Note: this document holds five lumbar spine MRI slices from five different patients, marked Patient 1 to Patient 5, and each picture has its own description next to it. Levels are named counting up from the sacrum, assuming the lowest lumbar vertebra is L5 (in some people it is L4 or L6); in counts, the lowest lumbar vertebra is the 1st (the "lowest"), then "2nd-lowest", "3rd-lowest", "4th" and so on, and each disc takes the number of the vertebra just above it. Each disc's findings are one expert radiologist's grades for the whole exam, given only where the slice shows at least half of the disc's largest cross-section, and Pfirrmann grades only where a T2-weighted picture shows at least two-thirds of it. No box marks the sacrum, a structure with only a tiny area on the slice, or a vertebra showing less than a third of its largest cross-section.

Patient 1 of 5:
T2-weighted sagittal MRI of the lumbar spine; Slice 9 of 36; Patient sex: F

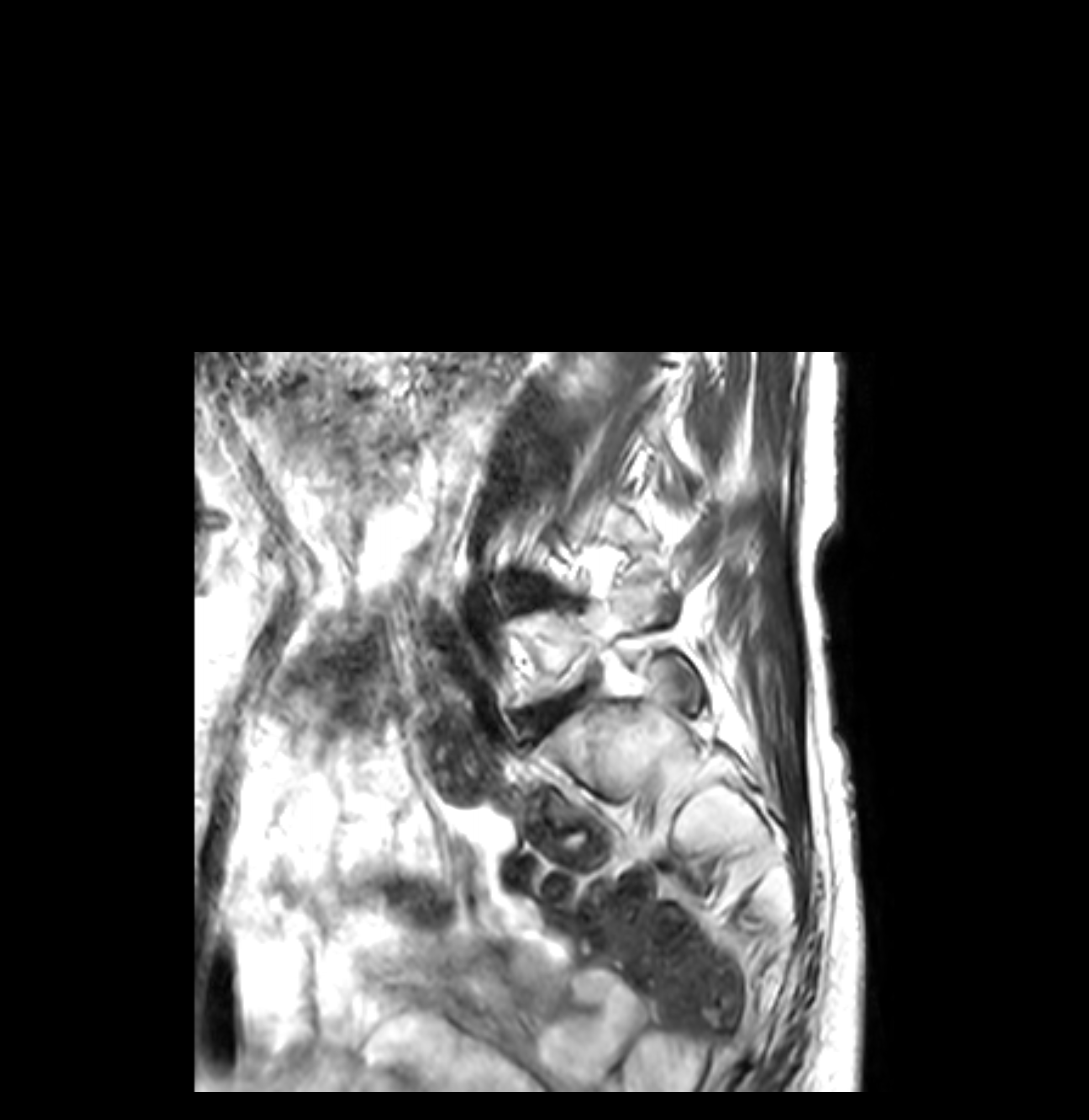

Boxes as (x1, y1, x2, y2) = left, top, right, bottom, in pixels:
L5 at (518, 580, 700, 714), intervertebral disc L5/S1 at (530, 699, 571, 727).

Patient 2 of 5:
T2 SPACE (3D) sagittal MRI of the lumbar spine

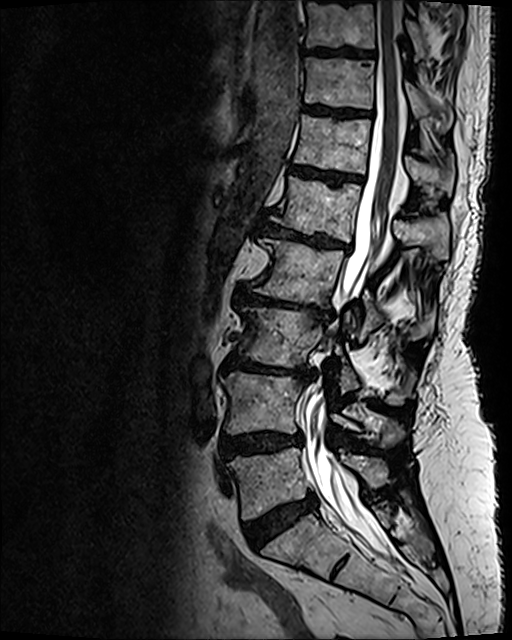

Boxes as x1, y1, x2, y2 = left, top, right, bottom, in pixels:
L3: 240, 307, 413, 403.
Intervertebral disc T11/T12: 305, 106, 365, 116.
L2: 254, 238, 432, 340.
Spinal canal: 305, 0, 400, 556.
Intervertebral disc L2/L3: 234, 287, 331, 322.
L3/L4: 224, 355, 312, 377.
Intervertebral disc L1/L2: 261, 222, 349, 249.
L5/S1: 244, 494, 316, 547.
L5 vertebra: 228, 448, 388, 519.
L4 vertebra: 221, 372, 404, 446.
Intervertebral disc T10/T11: 307, 48, 368, 57.
T12/L1: 290, 166, 362, 184.
T11: 304, 58, 453, 127.
T12 vertebra: 294, 114, 454, 194.
Intervertebral disc L4/L5: 221, 432, 301, 458.
T10 vertebra: 306, 0, 425, 58.
L1: 271, 177, 449, 258.

Degenerative findings by level:
  L4/L5: Pfirrmann grade 4, upper-endplate change, lower-endplate change, disc bulging
  T10/T11: Pfirrmann grade 4, upper-endplate change, lower-endplate change
  L5/S1: Pfirrmann grade 4, disc bulging
  L2/L3: Pfirrmann grade 5, Modic type II, disc narrowing, lower-endplate change, disc bulging, upper-endplate change
  L1/L2: Pfirrmann grade 5, disc narrowing, upper-endplate change, Modic type II, lower-endplate change, disc bulging
  L3/L4: Modic type II, disc bulging, disc narrowing, lower-endplate change, upper-endplate change
  T11/T12: Pfirrmann grade 4, lower-endplate change, upper-endplate change
  T12/L1: Pfirrmann grade 4, lower-endplate change, upper-endplate change, Modic type II

Patient 3 of 5:
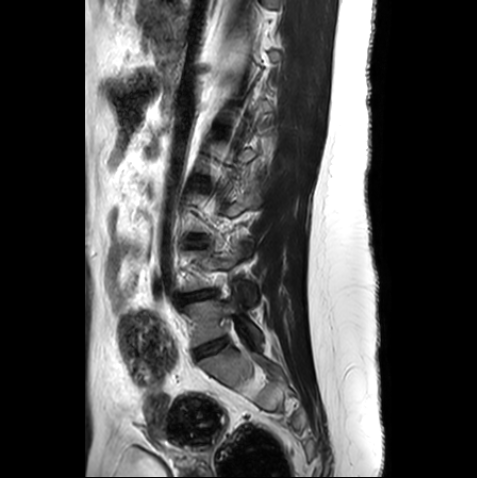 Lumbar spine MR, T2-weighted, sagittal | Sagittal slice index 6
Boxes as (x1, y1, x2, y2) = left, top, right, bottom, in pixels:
L4/L5 = (181, 290, 216, 301).
L5 = (186, 296, 262, 346).
Disc L5/S1 = (196, 339, 226, 357).
L3/L4 = (188, 240, 204, 245).

Patient 4 of 5:
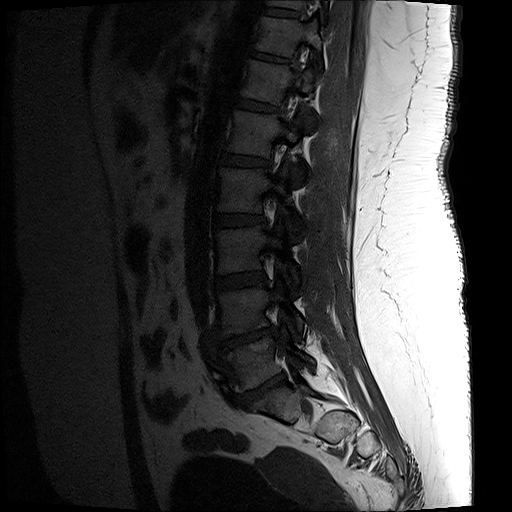
T1-weighted sagittal MRI of the lumbar spine | Patient sex: F

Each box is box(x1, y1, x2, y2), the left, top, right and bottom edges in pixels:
{"L5/S1": "box(241, 374, 284, 404)", "L4/L5": "box(217, 327, 276, 352)", "T10/T11": "box(262, 7, 298, 16)", "T10 vertebra": "box(266, 0, 327, 9)", "L5 vertebra": "box(217, 328, 314, 392)", "L2 vertebra": "box(217, 166, 301, 239)", "T12/L1": "box(237, 98, 276, 111)", "T12": "box(241, 59, 316, 127)", "L2/L3": "box(214, 214, 264, 226)", "intervertebral disc T11/T12": "box(250, 50, 288, 62)", "thecal sac / spinal canal": "box(278, 71, 297, 145)", "L1 vertebra": "box(227, 110, 308, 182)", "intervertebral disc L1/L2": "box(221, 153, 268, 166)", "L4 vertebra": "box(217, 280, 304, 337)", "L3": "box(215, 223, 300, 288)", "L3/L4": "box(215, 272, 265, 289)", "T11 vertebra": "box(255, 16, 322, 68)"}

Expert MSK radiologist gradings (per disc):
- T11/T12: lower-endplate change
- L5/S1: disc narrowing, Modic type II, lower-endplate change, disc herniation, upper-endplate change
- L2/L3: upper-endplate change, lower-endplate change
- L4/L5: upper-endplate change, lower-endplate change, disc herniation, disc narrowing, Modic type II
- L1/L2: lower-endplate change
- T12/L1, L3/L4: no Modic or endplate change, herniation, narrowing, bulging or spondylolisthesis recorded

Patient 5 of 5:
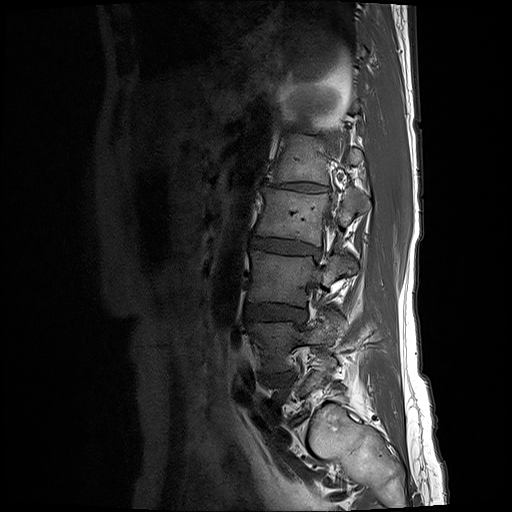

Sagittal T1-weighted lumbar spine MRI

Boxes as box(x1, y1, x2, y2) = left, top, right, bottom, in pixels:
Intervertebral disc T12/L1 (6th disc) at box(290, 123, 309, 131).
Intervertebral disc L3/L4 (3rd-lowest disc) at box(244, 303, 306, 322).
Intervertebral disc L2/L3 (4th disc) at box(250, 236, 318, 258).
L2 (4th vertebra) at box(254, 188, 368, 246).
L4 (2nd-lowest vertebra) at box(247, 310, 345, 373).
L4/L5 (2nd-lowest disc) at box(262, 373, 293, 382).
Intervertebral disc L1/L2 (5th disc) at box(260, 179, 329, 193).
L3 (3rd-lowest vertebra) at box(249, 250, 354, 307).
L1 (5th vertebra) at box(271, 133, 362, 185).

Per-level radiological findings:
• L2/L3 (4th disc): disc narrowing, disc bulging
• L3/L4 (3rd-lowest disc): disc bulging
• L1/L2 (5th disc): lower-endplate change, disc narrowing, disc bulging, Modic type II, upper-endplate change